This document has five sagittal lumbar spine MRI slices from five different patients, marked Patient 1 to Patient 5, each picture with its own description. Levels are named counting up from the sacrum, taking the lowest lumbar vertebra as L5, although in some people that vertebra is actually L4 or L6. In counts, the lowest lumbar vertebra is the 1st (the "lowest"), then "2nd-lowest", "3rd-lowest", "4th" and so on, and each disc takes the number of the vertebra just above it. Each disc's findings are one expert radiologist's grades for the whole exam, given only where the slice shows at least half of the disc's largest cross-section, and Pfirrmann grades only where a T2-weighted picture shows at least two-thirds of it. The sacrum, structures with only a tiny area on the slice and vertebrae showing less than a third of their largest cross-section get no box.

Patient 1 of 5:
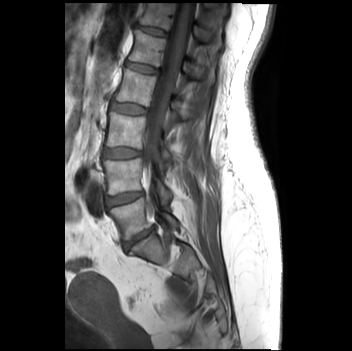
Field of view 286x285 mm. MRI lumbar spine (T1-weighted), sagittal plane.

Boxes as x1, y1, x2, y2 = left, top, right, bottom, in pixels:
Disc L3/L4 = 103, 147, 140, 158.
L5/S1 = 123, 226, 154, 249.
T12/L1 = 135, 24, 167, 35.
L2 vertebra = 114, 68, 183, 117.
L4 vertebra = 102, 158, 171, 204.
Disc L4/L5 = 106, 192, 142, 207.
L5 vertebra = 108, 198, 178, 239.
T12 vertebra = 138, 3, 221, 50.
Thecal sac / spinal canal = 143, 3, 193, 179.
L3 vertebra = 105, 111, 172, 169.
L1 vertebra = 128, 30, 214, 84.
Disc L2/L3 = 110, 101, 145, 113.
Disc L1/L2 = 124, 62, 158, 74.

Per-level radiological findings:
- L5/S1: lower-endplate change, disc narrowing, Modic type II, upper-endplate change
- L4/L5, L1/L2, L3/L4, T12/L1, L2/L3: no herniation, bulging, narrowing, spondylolisthesis, endplate or Modic change recorded

Patient 2 of 5:
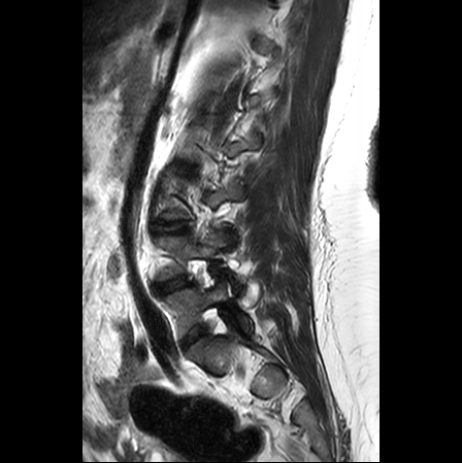
Patient sex: F, 462x463 px, MRI lumbar spine (T2-weighted), sagittal plane

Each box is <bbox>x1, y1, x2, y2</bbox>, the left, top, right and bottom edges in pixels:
L5/S1: <bbox>182, 326, 207, 348</bbox>.
Disc L4/L5: <bbox>159, 277, 189, 292</bbox>.
L5: <bbox>166, 283, 252, 336</bbox>.
L4 vertebra: <bbox>159, 230, 244, 291</bbox>.
Disc L3/L4: <bbox>156, 221, 187, 233</bbox>.

Expert MSK radiologist gradings (per disc):
- L3/L4: no herniation, bulging, narrowing, spondylolisthesis, endplate or Modic change recorded

Patient 3 of 5:
Sagittal slice index 84; 526x661 px; MRI lumbar spine (T2 SPACE (3D)), sagittal plane

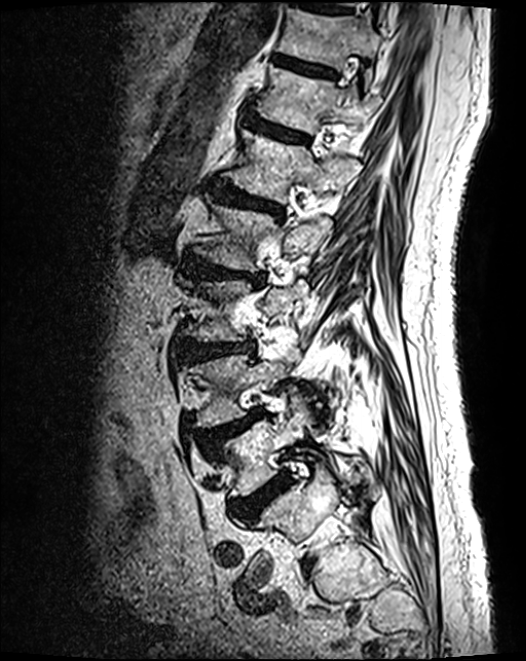
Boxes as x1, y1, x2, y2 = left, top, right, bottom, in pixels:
L4 (2nd-lowest vertebra) = 188, 343, 298, 427.
L2/L3 (4th disc) = 185, 257, 264, 285.
L5/S1 (lowest disc) = 232, 477, 289, 521.
L3 (3rd-lowest vertebra) = 183, 275, 307, 342.
T12 (6th vertebra) = 258, 68, 374, 135.
T11 (7th vertebra) = 278, 8, 381, 67.
Intervertebral disc L1/L2 (5th disc) = 209, 182, 283, 218.
L1 (5th vertebra) = 225, 131, 357, 202.
Intervertebral disc T12/L1 (6th disc) = 246, 118, 307, 142.
L3/L4 (3rd-lowest disc) = 179, 343, 253, 362.
Intervertebral disc L4/L5 (2nd-lowest disc) = 200, 410, 265, 450.
T11/T12 (7th disc) = 273, 55, 335, 77.
L5 (lowest vertebra) = 215, 400, 359, 497.
L2 (4th vertebra) = 194, 206, 332, 272.

Radiological gradings:
• L5/S1 (lowest disc): Pfirrmann grade 4
• T12/L1 (6th disc): Pfirrmann grade 3
• L2/L3 (4th disc): Pfirrmann grade 4, disc bulging, disc narrowing, upper-endplate change, lower-endplate change
• L3/L4 (3rd-lowest disc): disc bulging
• T11/T12 (7th disc): Pfirrmann grade 3, lower-endplate change
• L1/L2 (5th disc): Pfirrmann grade 4, disc bulging, lower-endplate change, upper-endplate change

Patient 4 of 5:
Slice 12/25; Lumbar spine MR, T1-weighted, sagittal

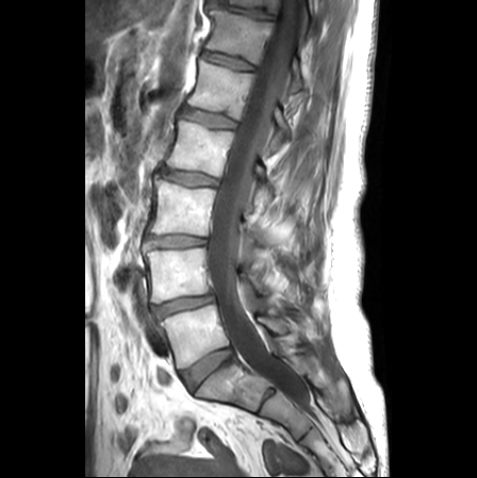 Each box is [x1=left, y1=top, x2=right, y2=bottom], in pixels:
5th disc: [x1=183, y1=107, x2=236, y2=128]
7th disc: [x1=209, y1=1, x2=274, y2=19]
spinal canal: [x1=208, y1=0, x2=303, y2=394]
3rd-lowest vertebra: [x1=150, y1=175, x2=273, y2=246]
4th vertebra: [x1=165, y1=119, x2=274, y2=206]
7th vertebra: [x1=220, y1=0, x2=315, y2=20]
2nd-lowest vertebra: [x1=146, y1=248, x2=277, y2=302]
3rd-lowest disc: [x1=148, y1=235, x2=206, y2=247]
5th vertebra: [x1=188, y1=60, x2=291, y2=143]
6th vertebra: [x1=207, y1=9, x2=302, y2=91]
2nd-lowest disc: [x1=153, y1=294, x2=214, y2=318]
6th disc: [x1=202, y1=51, x2=253, y2=70]
lowest vertebra: [x1=161, y1=304, x2=289, y2=368]
lowest disc: [x1=182, y1=348, x2=232, y2=389]
4th disc: [x1=161, y1=168, x2=217, y2=186]

Radiological gradings:
• 6th disc: upper-endplate change, lower-endplate change
• 2nd-lowest disc: disc narrowing, upper-endplate change, disc bulging, lower-endplate change
• 3rd-lowest disc: disc narrowing, disc bulging
• 7th disc: disc narrowing, lower-endplate change, upper-endplate change
• 5th disc: upper-endplate change, lower-endplate change
• 4th disc: upper-endplate change, disc bulging, lower-endplate change
• lowest disc: no Modic or endplate change, herniation, narrowing, bulging or spondylolisthesis recorded

Patient 5 of 5:
MRI lumbar spine (T2 SPACE (3D)), sagittal plane, Image 595x761, SIEMENS Avanto_fit (1.5T)
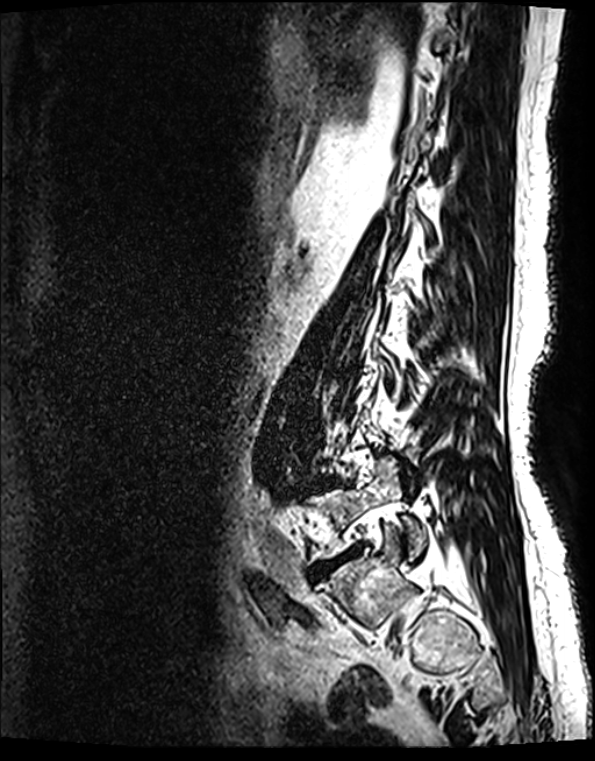
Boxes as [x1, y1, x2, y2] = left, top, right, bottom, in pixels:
L5 vertebra = [313, 460, 424, 558].
L5/S1 = [320, 548, 359, 573].